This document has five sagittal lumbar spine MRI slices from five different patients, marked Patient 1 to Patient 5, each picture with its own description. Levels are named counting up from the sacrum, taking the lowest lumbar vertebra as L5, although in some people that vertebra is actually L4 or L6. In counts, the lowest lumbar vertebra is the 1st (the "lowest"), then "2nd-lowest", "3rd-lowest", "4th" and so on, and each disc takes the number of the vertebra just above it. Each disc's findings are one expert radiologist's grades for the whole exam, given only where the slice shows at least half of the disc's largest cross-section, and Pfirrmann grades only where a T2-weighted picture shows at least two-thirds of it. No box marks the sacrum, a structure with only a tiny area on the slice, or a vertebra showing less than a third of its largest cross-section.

Patient 1 of 5:
MRI lumbar spine (T2 SPACE (3D)), sagittal plane. Image 512x640. Slice 58/120.

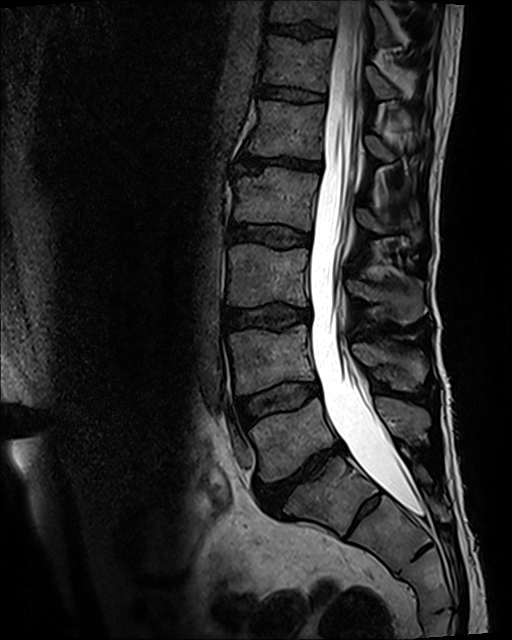

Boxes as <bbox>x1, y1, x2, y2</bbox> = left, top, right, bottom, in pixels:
Segmented structures:
• L1 — <bbox>246, 100, 394, 161</bbox>
• intervertebral disc T11/T12 — <bbox>269, 23, 330, 38</bbox>
• L4 — <bbox>229, 324, 426, 394</bbox>
• L3 — <bbox>227, 244, 426, 324</bbox>
• intervertebral disc L5/S1 — <bbox>258, 442, 343, 510</bbox>
• thecal sac / spinal canal — <bbox>308, 0, 423, 516</bbox>
• L1/L2 — <bbox>235, 154, 320, 172</bbox>
• L4/L5 — <bbox>241, 382, 318, 426</bbox>
• T11 vertebra — <bbox>270, 0, 390, 44</bbox>
• intervertebral disc L3/L4 — <bbox>226, 308, 310, 329</bbox>
• intervertebral disc L2/L3 — <bbox>229, 223, 310, 246</bbox>
• L5 — <bbox>249, 396, 429, 481</bbox>
• L2 vertebra — <bbox>234, 167, 422, 243</bbox>
• intervertebral disc T12/L1 — <bbox>260, 82, 324, 101</bbox>
• T12 vertebra — <bbox>263, 35, 396, 98</bbox>

Radiological gradings:
  T12/L1: Pfirrmann grade 3
  L5/S1: Pfirrmann grade 5, upper-endplate change, disc narrowing, disc bulging, Modic type II, lower-endplate change
  L2/L3: Pfirrmann grade 3
  L4/L5: Pfirrmann grade 3, Modic type II
  T11/T12: Pfirrmann grade 3, upper-endplate change, lower-endplate change
  L1/L2: Pfirrmann grade 5, lower-endplate change, upper-endplate change, disc narrowing, disc bulging, Modic type II
  L3/L4: Pfirrmann grade 3, disc bulging, lower-endplate change, upper-endplate change

Patient 2 of 5:
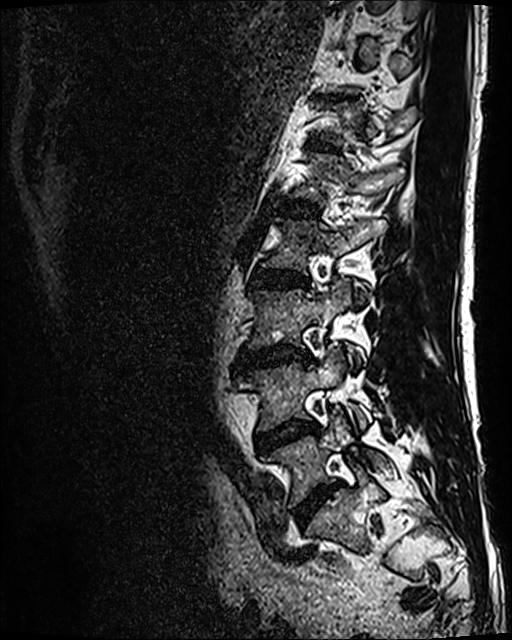
MRI lumbar spine (T2 SPACE (3D)), sagittal plane. Field of view 240x300 mm, slice spacing 0.9 mm.

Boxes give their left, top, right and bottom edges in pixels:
3rd-lowest disc at left=237, top=346, right=312, bottom=369; 2nd-lowest disc at left=256, top=420, right=318, bottom=452; 6th disc at left=318, top=144, right=336, bottom=150; 2nd-lowest vertebra at left=236, top=346, right=366, bottom=430; lowest disc at left=294, top=485, right=335, bottom=525; lowest vertebra at left=264, top=412, right=385, bottom=507; 5th vertebra at left=292, top=152, right=404, bottom=200; 5th disc at left=276, top=200, right=318, bottom=217; 3rd-lowest vertebra at left=248, top=278, right=362, bottom=367; 4th disc at left=251, top=271, right=308, bottom=290; 4th vertebra at left=261, top=219, right=386, bottom=304.

Per-level radiological findings:
  2nd-lowest disc: Pfirrmann grade 3, disc bulging, Modic type II
  lowest disc: disc bulging, disc narrowing
  3rd-lowest disc: Pfirrmann grade 4, disc bulging, Modic type II, disc narrowing
  4th disc: disc bulging, Modic type II
  5th disc: no Modic or endplate change, herniation, narrowing, bulging or spondylolisthesis recorded

Patient 3 of 5:
Sex F. Lumbar spine MR, T2-weighted, sagittal. Slice 12 of 15.
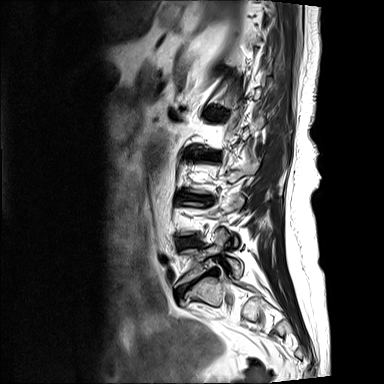
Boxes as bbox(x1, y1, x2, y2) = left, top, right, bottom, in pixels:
L4/L5 (2nd-lowest disc) at bbox(178, 236, 199, 247); IVD L3/L4 (3rd-lowest disc) at bbox(179, 194, 213, 201); L5 (lowest vertebra) at bbox(177, 227, 242, 286); L2/L3 (4th disc) at bbox(186, 151, 217, 159); IVD L5/S1 (lowest disc) at bbox(176, 281, 195, 295); IVD L1/L2 (5th disc) at bbox(208, 110, 220, 117).

Patient 4 of 5:
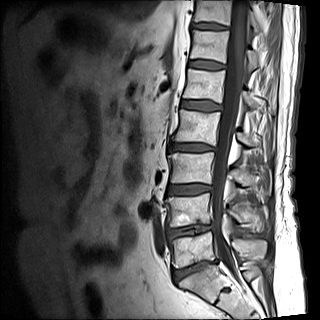 Patient sex: M. MRI lumbar spine (T1-weighted), sagittal plane.

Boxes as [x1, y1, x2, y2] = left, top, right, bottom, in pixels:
IVD L3/L4 at [167, 185, 212, 194], spinal canal at [212, 0, 248, 279], T12 at [190, 30, 258, 70], L4 vertebra at [165, 193, 264, 231], IVD T12/L1 at [188, 60, 224, 69], IVD L2/L3 at [170, 144, 215, 151], IVD L1/L2 at [181, 101, 221, 111], L5/S1 at [173, 260, 217, 282], L3 vertebra at [168, 152, 270, 198], L2 at [172, 109, 260, 146], T11 vertebra at [193, 0, 260, 33], L4/L5 at [166, 225, 213, 237], L5 at [169, 232, 266, 268], L1 at [183, 69, 275, 114], IVD T11/T12 at [192, 23, 228, 30].

Degenerative findings by level:
  L3/L4: Modic type II, upper-endplate change, lower-endplate change, disc bulging
  L5/S1: Modic type II, disc bulging, upper-endplate change, lower-endplate change, disc narrowing
  L2/L3: upper-endplate change, lower-endplate change, disc narrowing, disc bulging, Modic type II
  L4/L5: disc narrowing, Modic type II, lower-endplate change, upper-endplate change, disc bulging
  L1/L2, T11/T12, T12/L1: no Modic or endplate change, herniation, narrowing, bulging or spondylolisthesis recorded

Patient 5 of 5:
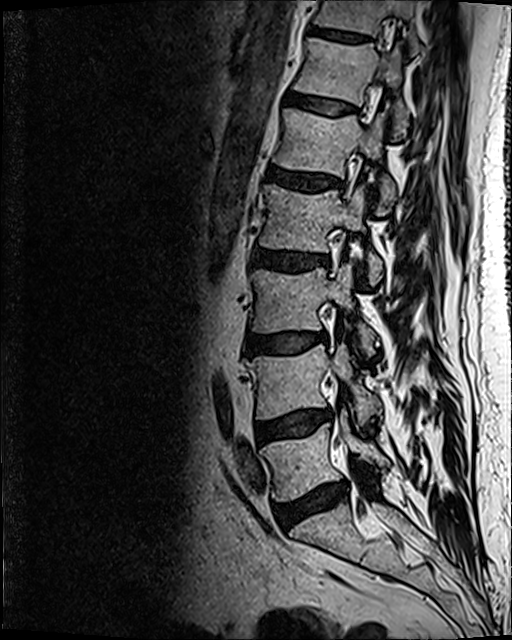

MRI lumbar spine (T2 SPACE (3D)), sagittal plane. Slice 47/120.
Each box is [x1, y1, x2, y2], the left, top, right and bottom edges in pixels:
L1/L2 (5th disc) at [266, 166, 343, 192] | L3 (3rd-lowest vertebra) at [251, 262, 375, 355] | disc T12/L1 (6th disc) at [288, 91, 358, 115] | T12 (6th vertebra) at [293, 38, 409, 138] | L4/L5 (2nd-lowest disc) at [256, 411, 329, 443] | disc L5/S1 (lowest disc) at [275, 485, 346, 526] | L5 (lowest vertebra) at [260, 413, 389, 501] | L2 (4th vertebra) at [259, 185, 382, 286] | L1 (5th vertebra) at [273, 109, 395, 213] | L2/L3 (4th disc) at [252, 249, 326, 269] | L4 (2nd-lowest vertebra) at [249, 343, 381, 423] | T11/T12 (7th disc) at [309, 25, 372, 43] | L3/L4 (3rd-lowest disc) at [243, 331, 320, 355] | T11 (7th vertebra) at [315, 0, 415, 35]

Degenerative findings by level:
- L4/L5 (2nd-lowest disc): Pfirrmann grade 2, disc bulging, Modic type II
- T12/L1 (6th disc): Pfirrmann grade 2
- L1/L2 (5th disc): Pfirrmann grade 3, disc bulging
- T11/T12 (7th disc): Pfirrmann grade 3
- L3/L4 (3rd-lowest disc): Pfirrmann grade 2, disc bulging, Modic type II
- L5/S1 (lowest disc): Pfirrmann grade 3, disc bulging, Modic type II, disc narrowing
- L2/L3 (4th disc): Pfirrmann grade 3, disc bulging